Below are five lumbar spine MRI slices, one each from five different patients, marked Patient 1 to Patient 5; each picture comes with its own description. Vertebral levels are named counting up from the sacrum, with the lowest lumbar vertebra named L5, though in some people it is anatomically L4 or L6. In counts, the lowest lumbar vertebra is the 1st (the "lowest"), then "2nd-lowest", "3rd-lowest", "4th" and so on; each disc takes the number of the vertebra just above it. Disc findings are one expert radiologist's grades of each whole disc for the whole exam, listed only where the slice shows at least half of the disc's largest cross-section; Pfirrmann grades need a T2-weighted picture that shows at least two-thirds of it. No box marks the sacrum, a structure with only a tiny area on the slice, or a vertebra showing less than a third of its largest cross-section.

Patient 1 of 5:
T2 SPACE (3D) sagittal MRI of the lumbar spine. Slice 34 of 120. Patient sex: F.
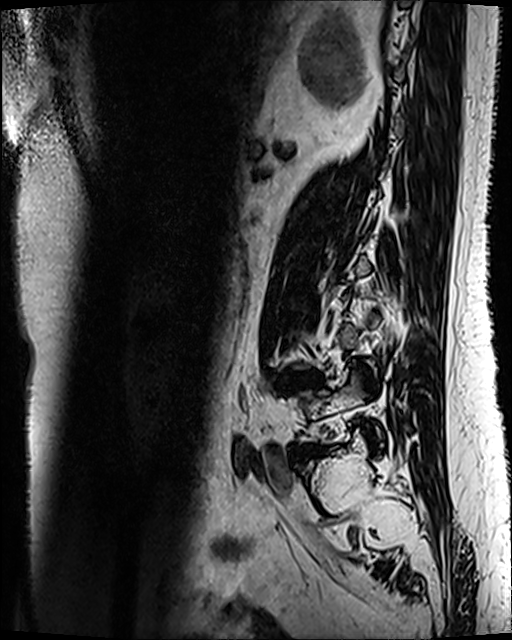 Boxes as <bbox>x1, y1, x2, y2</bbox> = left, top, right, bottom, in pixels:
Intervertebral disc L5/S1 (lowest disc) at <bbox>301, 446, 327, 453</bbox>, L4/L5 (2nd-lowest disc) at <bbox>286, 373, 317, 385</bbox>.

Patient 2 of 5:
Field of view 282x281 mm, slice spacing 3.3 mm, MRI lumbar spine (T2-weighted), sagittal plane

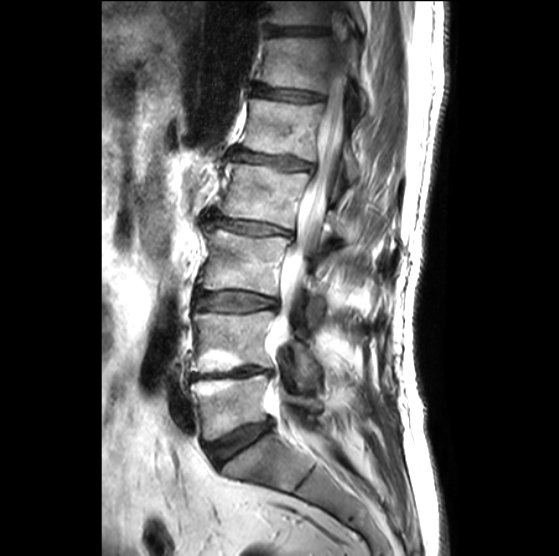

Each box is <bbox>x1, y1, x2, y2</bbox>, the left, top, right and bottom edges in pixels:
IVD L5/S1: <bbox>207, 420, 272, 465</bbox>
T12 vertebra: <bbox>256, 37, 367, 111</bbox>
L1 vertebra: <bbox>242, 98, 361, 179</bbox>
T11 vertebra: <bbox>271, 1, 365, 30</bbox>
IVD T11/T12: <bbox>268, 26, 327, 35</bbox>
L2: <bbox>218, 161, 345, 237</bbox>
L1/L2: <bbox>232, 150, 312, 171</bbox>
L4 vertebra: <bbox>190, 308, 320, 385</bbox>
IVD L2/L3: <bbox>209, 212, 290, 234</bbox>
L3 vertebra: <bbox>198, 223, 326, 313</bbox>
IVD L4/L5: <bbox>191, 366, 273, 379</bbox>
IVD L3/L4: <bbox>195, 290, 277, 311</bbox>
L5 vertebra: <bbox>191, 374, 362, 439</bbox>
thecal sac / spinal canal: <bbox>269, 44, 342, 451</bbox>
T12/L1: <bbox>252, 85, 323, 101</bbox>

Expert MSK radiologist gradings (per disc):
  L2/L3: Pfirrmann grade 3, disc bulging, disc narrowing, upper-endplate change, lower-endplate change, Modic type II
  L3/L4: Pfirrmann grade 2, disc bulging
  L1/L2: Pfirrmann grade 3, upper-endplate change, disc bulging, lower-endplate change, Modic type III, disc narrowing
  L4/L5: Pfirrmann grade 5, upper-endplate change, Modic type II, disc narrowing, lower-endplate change
  L5/S1: Pfirrmann grade 3, disc bulging
  T12/L1: Pfirrmann grade 3, disc narrowing
  T11/T12: Pfirrmann grade 4, disc narrowing

Patient 3 of 5:
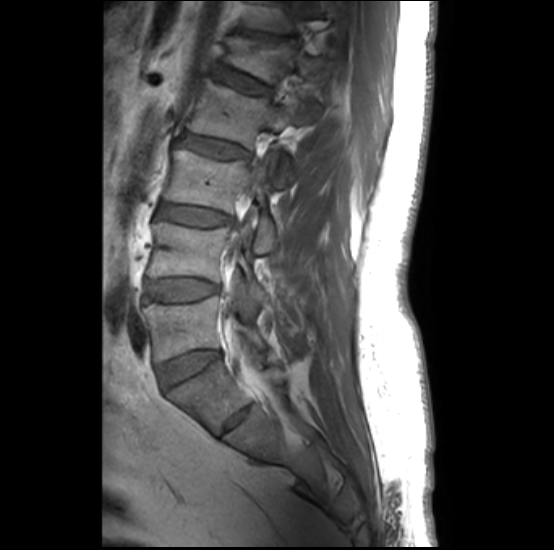 T1-weighted sagittal MRI of the lumbar spine, Sex M, Slice 13/32
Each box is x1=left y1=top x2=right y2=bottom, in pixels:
Segmented structures:
• thecal sac / spinal canal: x1=225 y1=249 x2=237 y2=342
• lowest disc: x1=159 y1=351 x2=219 y2=388
• 4th vertebra: x1=188 y1=78 x2=299 y2=184
• 6th disc: x1=250 y1=33 x2=286 y2=41
• 3rd-lowest vertebra: x1=165 y1=149 x2=276 y2=252
• lowest vertebra: x1=144 y1=295 x2=266 y2=362
• 3rd-lowest disc: x1=157 y1=203 x2=231 y2=226
• 5th disc: x1=215 y1=68 x2=270 y2=95
• 4th disc: x1=177 y1=134 x2=249 y2=158
• 5th vertebra: x1=227 y1=37 x2=328 y2=83
• 2nd-lowest vertebra: x1=149 y1=222 x2=266 y2=310
• 2nd-lowest disc: x1=147 y1=279 x2=218 y2=301

Per-level radiological findings:
  3rd-lowest disc: upper-endplate change, Modic type II, lower-endplate change
  2nd-lowest disc: Modic type II, lower-endplate change, upper-endplate change
  5th disc: lower-endplate change, Modic type II, upper-endplate change
  4th disc: upper-endplate change, lower-endplate change, Modic type II
  lowest disc: no herniation, bulging, narrowing, spondylolisthesis, endplate or Modic change recorded

Patient 4 of 5:
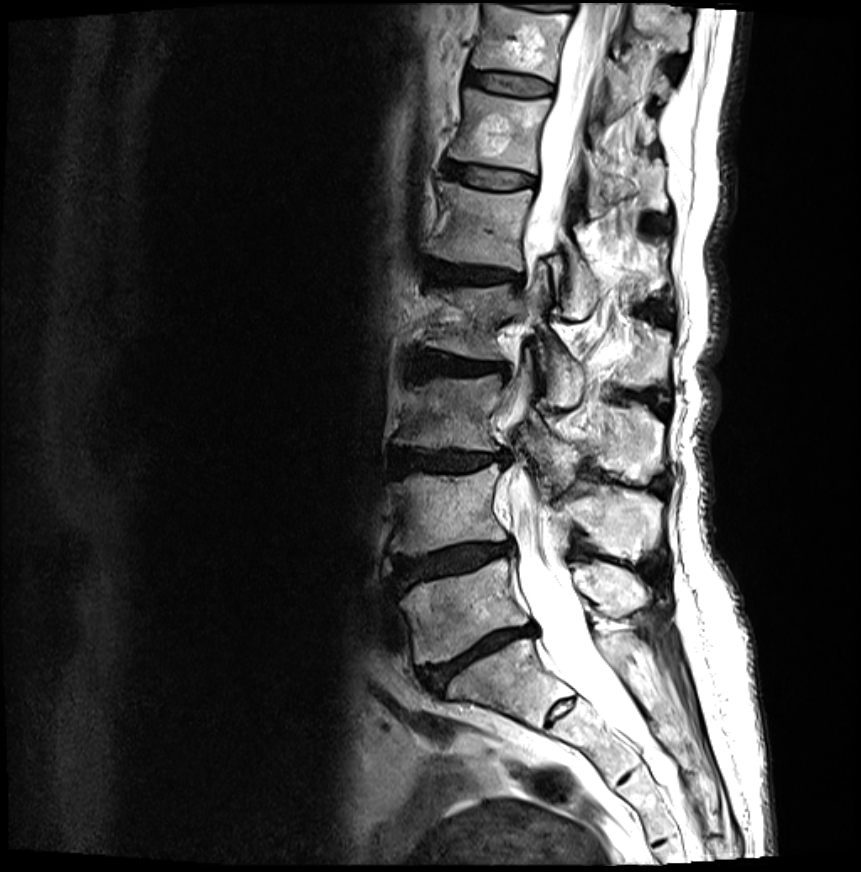
Lumbar spine MR, T2-weighted, sagittal. Slice 12/27. 861x872 px. Sex F.

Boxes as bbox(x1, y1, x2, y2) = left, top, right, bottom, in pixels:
Lowest disc at bbox(420, 626, 534, 692); 4th disc at bbox(414, 355, 503, 377); 3rd-lowest disc at bbox(392, 450, 507, 475); 6th disc at bbox(446, 164, 532, 189); 2nd-lowest disc at bbox(395, 542, 512, 586); 5th vertebra at bbox(434, 183, 665, 320); 6th vertebra at bbox(451, 90, 668, 217); 5th disc at bbox(427, 263, 520, 284); lowest vertebra at bbox(398, 559, 650, 665); 2nd-lowest vertebra at bbox(392, 464, 660, 560); 7th vertebra at bbox(472, 6, 668, 113); 4th vertebra at bbox(425, 269, 670, 408); thecal sac / spinal canal at bbox(511, 4, 640, 741); 7th disc at bbox(466, 73, 550, 96); 3rd-lowest vertebra at bbox(397, 359, 663, 487).

Expert MSK radiologist gradings (per disc):
• 6th disc: Pfirrmann grade 2, Modic type II, lower-endplate change, upper-endplate change
• 4th disc: lower-endplate change, disc narrowing, disc bulging, Modic type II, upper-endplate change
• 7th disc: Pfirrmann grade 2, Modic type II, lower-endplate change, upper-endplate change
• 3rd-lowest disc: Pfirrmann grade 4, lower-endplate change, Modic type II, upper-endplate change, disc narrowing, disc bulging
• lowest disc: Pfirrmann grade 5, disc narrowing, disc bulging, lower-endplate change, Modic type II, upper-endplate change
• 5th disc: Pfirrmann grade 4, upper-endplate change, Modic type II, disc narrowing, lower-endplate change, disc bulging
• 2nd-lowest disc: Pfirrmann grade 4, Modic type II, disc bulging, lower-endplate change, disc narrowing, upper-endplate change, disc herniation

Patient 5 of 5:
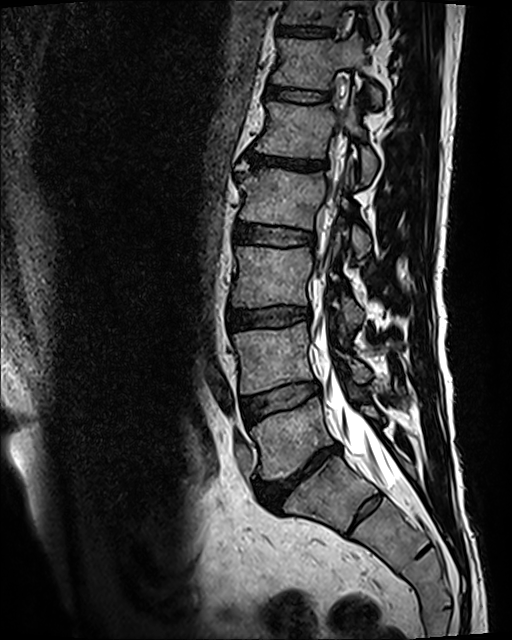

T2 SPACE (3D) sagittal MRI of the lumbar spine; Image 512x640; Sagittal slice index 48
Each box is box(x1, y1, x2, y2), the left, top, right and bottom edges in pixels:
L3/L4 — box(227, 307, 311, 328).
L4 — box(233, 323, 368, 394).
Disc T11/T12 — box(277, 26, 331, 36).
L1 — box(256, 91, 376, 182).
Disc L5/S1 — box(257, 444, 339, 509).
L5 — box(251, 397, 378, 479).
Disc L2/L3 — box(236, 224, 314, 246).
T11 vertebra — box(282, 0, 377, 36).
Disc L4/L5 — box(242, 381, 318, 420).
L3 vertebra — box(232, 233, 363, 327).
T12 vertebra — box(272, 33, 382, 106).
T12/L1 — box(266, 81, 328, 102).
Disc L1/L2 — box(246, 151, 325, 171).
L2 — box(240, 162, 370, 257).
Thecal sac / spinal canal — box(315, 130, 402, 492).

Per-level radiological findings:
• L3/L4: Pfirrmann grade 3, upper-endplate change, lower-endplate change, disc bulging
• T11/T12: upper-endplate change, lower-endplate change
• L1/L2: Pfirrmann grade 5, upper-endplate change, lower-endplate change, Modic type II, disc narrowing, disc bulging
• L4/L5: Pfirrmann grade 3, Modic type II
• L2/L3: Pfirrmann grade 3
• T12/L1: Pfirrmann grade 3
• L5/S1: Pfirrmann grade 5, disc bulging, lower-endplate change, Modic type II, disc narrowing, upper-endplate change